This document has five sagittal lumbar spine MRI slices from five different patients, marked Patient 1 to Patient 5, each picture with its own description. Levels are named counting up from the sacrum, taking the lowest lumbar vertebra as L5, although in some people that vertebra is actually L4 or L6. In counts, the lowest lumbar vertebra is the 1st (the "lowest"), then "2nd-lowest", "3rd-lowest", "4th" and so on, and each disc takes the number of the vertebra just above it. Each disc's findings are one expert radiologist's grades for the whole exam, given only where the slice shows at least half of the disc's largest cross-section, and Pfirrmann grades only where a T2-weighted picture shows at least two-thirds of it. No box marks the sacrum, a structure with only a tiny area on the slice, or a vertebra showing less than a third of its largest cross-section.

Patient 1 of 5:
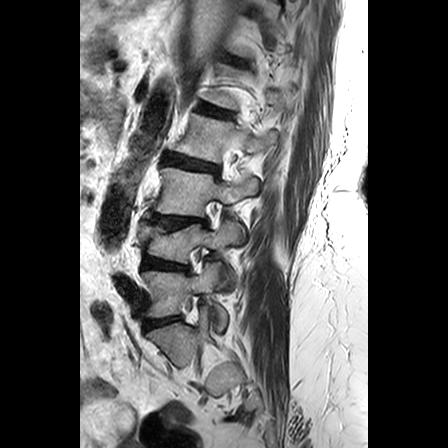 Image 448x448, MRI lumbar spine (T2-weighted), sagittal plane
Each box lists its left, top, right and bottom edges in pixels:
- disc L4/L5: left=142, top=256, right=188, bottom=271
- L3: left=153, top=167, right=258, bottom=216
- L5/S1: left=145, top=316, right=180, bottom=329
- L2 vertebra: left=174, top=113, right=276, bottom=163
- L4: left=139, top=219, right=240, bottom=262
- L2/L3: left=163, top=152, right=218, bottom=173
- disc L1/L2: left=198, top=103, right=232, bottom=117
- L5: left=142, top=262, right=227, bottom=330
- T12/L1: left=225, top=56, right=244, bottom=64
- disc L3/L4: left=148, top=214, right=207, bottom=227

Radiological gradings:
• L2/L3: Pfirrmann grade 3, upper-endplate change, lower-endplate change
• L3/L4: Pfirrmann grade 3, upper-endplate change, disc bulging, lower-endplate change
• L4/L5: disc bulging, lower-endplate change
• L1/L2: upper-endplate change

Patient 2 of 5:
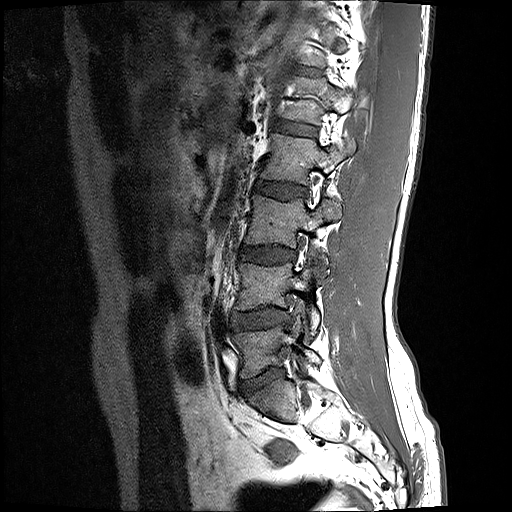 Sagittal T1-weighted lumbar spine MRI.

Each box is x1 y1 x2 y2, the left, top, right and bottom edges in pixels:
Segmented structures:
* 5th vertebra = 278 76 364 124
* 4th disc = 254 180 307 198
* 6th disc = 297 67 322 76
* lowest vertebra = 233 309 320 378
* 2nd-lowest vertebra = 235 263 319 333
* 5th disc = 272 120 317 136
* lowest disc = 240 367 284 396
* 4th vertebra = 260 133 356 185
* 3rd-lowest vertebra = 245 194 340 278
* 2nd-lowest disc = 231 307 289 330
* 3rd-lowest disc = 240 246 296 263

Radiological gradings:
• 2nd-lowest disc: disc bulging
• 3rd-lowest disc: disc bulging
• lowest disc: disc bulging
• 5th disc, 4th disc: no herniation, bulging, narrowing, spondylolisthesis, endplate or Modic change recorded

Patient 3 of 5:
T2-weighted sagittal MRI of the lumbar spine | Sex F 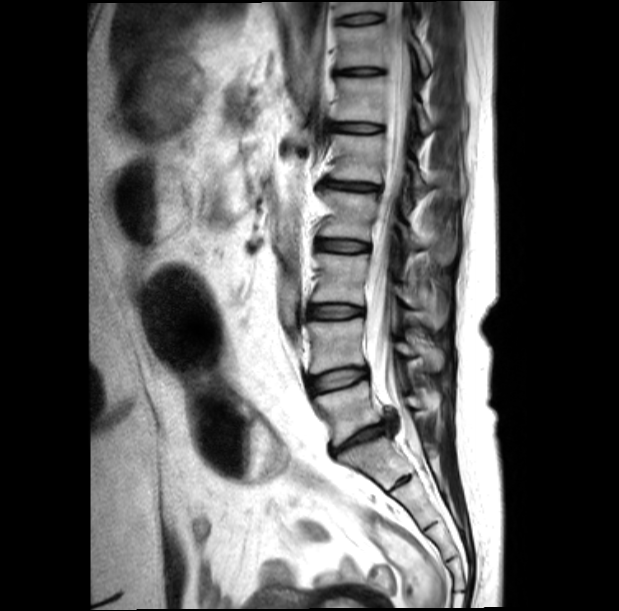 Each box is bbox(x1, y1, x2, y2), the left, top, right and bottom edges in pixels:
5th disc at bbox(324, 179, 379, 192).
Thecal sac / spinal canal at bbox(365, 2, 419, 456).
2nd-lowest disc at bbox(310, 368, 368, 393).
7th disc at bbox(337, 68, 381, 76).
3rd-lowest disc at bbox(310, 305, 363, 318).
8th disc at bbox(339, 13, 383, 24).
2nd-lowest vertebra at bbox(308, 319, 444, 374).
5th vertebra at bbox(329, 134, 427, 196).
6th disc at bbox(333, 124, 381, 132).
8th vertebra at bbox(336, 2, 386, 16).
4th disc at bbox(318, 240, 368, 251).
Lowest vertebra at bbox(314, 380, 440, 446).
7th vertebra at bbox(336, 23, 430, 75).
3rd-lowest vertebra at bbox(313, 253, 450, 329).
6th vertebra at bbox(334, 76, 432, 132).
Lowest disc at bbox(333, 413, 397, 453).
4th vertebra at bbox(319, 189, 457, 264).

Expert MSK radiologist gradings (per disc):
• 3rd-lowest disc: Pfirrmann grade 2
• lowest disc: Pfirrmann grade 5, disc narrowing, disc herniation
• 6th disc: Pfirrmann grade 2
• 5th disc: Pfirrmann grade 1, disc narrowing, disc bulging
• 4th disc: Pfirrmann grade 2
• 2nd-lowest disc: Pfirrmann grade 2, disc bulging
• 7th disc: Pfirrmann grade 2, upper-endplate change
• 8th disc: Pfirrmann grade 2

Patient 4 of 5:
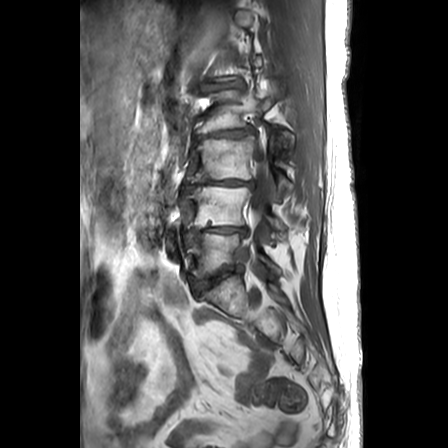
Slice spacing 3.3 mm. Patient sex: F. T1-weighted sagittal MRI of the lumbar spine.
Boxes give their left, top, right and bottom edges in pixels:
4th vertebra at left=198, top=90, right=294, bottom=152; 3rd-lowest disc at left=183, top=179, right=254, bottom=190; 2nd-lowest vertebra at left=183, top=186, right=284, bottom=238; 4th disc at left=194, top=126, right=254, bottom=141; lowest disc at left=192, top=267, right=242, bottom=292; thecal sac / spinal canal at left=250, top=149, right=268, bottom=232; 3rd-lowest vertebra at left=193, top=135, right=292, bottom=201; lowest vertebra at left=188, top=232, right=280, bottom=276; 2nd-lowest disc at left=185, top=227, right=247, bottom=243; 5th disc at left=195, top=78, right=245, bottom=93.

Expert MSK radiologist gradings (per disc):
  lowest disc: upper-endplate change, disc bulging, disc narrowing, lower-endplate change
  2nd-lowest disc: lower-endplate change, upper-endplate change, disc bulging, Modic type II, disc narrowing
  3rd-lowest disc: disc narrowing, disc bulging, upper-endplate change, Modic type II, lower-endplate change
  5th disc: disc bulging
  4th disc: lower-endplate change, disc bulging, disc narrowing, upper-endplate change

Patient 5 of 5:
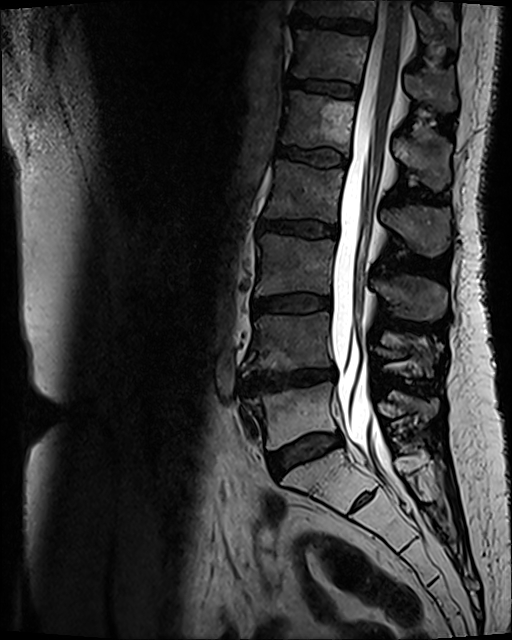 T2 SPACE (3D) sagittal MRI of the lumbar spine, Field of view 240x300 mm, 512x640 px, Slice 68 of 120
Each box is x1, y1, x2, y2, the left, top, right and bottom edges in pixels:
Thecal sac / spinal canal at 331, 0, 408, 464; 5th vertebra at 282, 91, 452, 190; 7th vertebra at 298, 0, 457, 45; 6th disc at 289, 79, 359, 97; lowest vertebra at 244, 383, 437, 449; 5th disc at 276, 146, 346, 166; 7th disc at 293, 15, 373, 32; 3rd-lowest disc at 254, 296, 331, 312; 2nd-lowest vertebra at 242, 312, 437, 375; 6th vertebra at 293, 31, 456, 111; 4th disc at 258, 221, 337, 237; 4th vertebra at 266, 160, 450, 257; 3rd-lowest vertebra at 256, 235, 447, 320; 2nd-lowest disc at 240, 369, 335, 393; lowest disc at 269, 433, 342, 478.

Per-level radiological findings:
- 4th disc: Pfirrmann grade 3, disc bulging, Modic type II
- 3rd-lowest disc: Pfirrmann grade 3, Modic type II, disc bulging
- 5th disc: Pfirrmann grade 3, Modic type II
- lowest disc: Pfirrmann grade 3, disc bulging, Modic type II
- 6th disc: Pfirrmann grade 3, Modic type II
- 2nd-lowest disc: Pfirrmann grade 4, disc bulging, upper-endplate change, Modic type II, lower-endplate change, disc narrowing
- 7th disc: Pfirrmann grade 4, upper-endplate change, Modic type II, lower-endplate change